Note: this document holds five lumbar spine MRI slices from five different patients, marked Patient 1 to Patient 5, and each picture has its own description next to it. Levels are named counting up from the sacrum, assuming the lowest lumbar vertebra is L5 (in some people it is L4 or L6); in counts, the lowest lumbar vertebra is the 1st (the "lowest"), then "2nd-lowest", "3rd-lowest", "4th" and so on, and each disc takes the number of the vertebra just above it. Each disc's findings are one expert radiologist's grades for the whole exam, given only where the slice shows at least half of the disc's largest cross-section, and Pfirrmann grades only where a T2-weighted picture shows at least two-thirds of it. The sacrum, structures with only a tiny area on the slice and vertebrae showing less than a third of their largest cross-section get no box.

Patient 1 of 5:
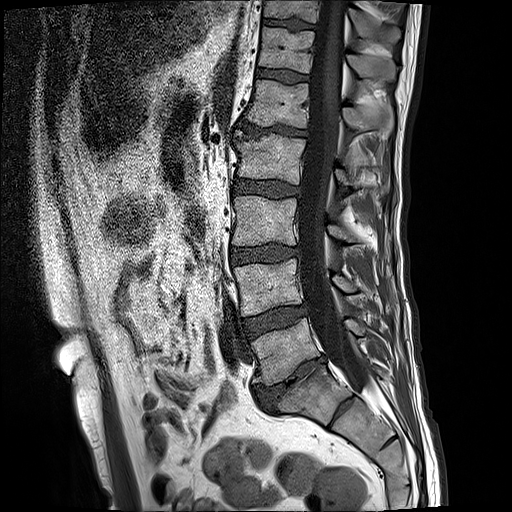 Lumbar spine MR, T1-weighted, sagittal.
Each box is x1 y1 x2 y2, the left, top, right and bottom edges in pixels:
Lowest disc — 255 355 325 408.
2nd-lowest disc — 244 306 305 337.
Lowest vertebra — 253 318 362 385.
5th vertebra — 246 81 392 142.
6th vertebra — 259 27 395 78.
7th disc — 264 20 314 29.
2nd-lowest vertebra — 234 258 352 315.
3rd-lowest disc — 231 246 299 263.
4th vertebra — 236 134 347 198.
Thecal sac / spinal canal — 298 0 371 388.
5th disc — 240 121 307 137.
3rd-lowest vertebra — 233 197 345 246.
4th disc — 234 179 301 197.
7th vertebra — 265 0 399 38.
6th disc — 257 66 309 82.

Expert MSK radiologist gradings (per disc):
  7th disc: upper-endplate change, lower-endplate change
  3rd-lowest disc: lower-endplate change, upper-endplate change, disc bulging
  5th disc: disc bulging, disc narrowing, Modic type II, lower-endplate change, upper-endplate change
  lowest disc: disc bulging, upper-endplate change, Modic type II, disc narrowing, lower-endplate change
  2nd-lowest disc: Modic type II
  4th disc, 6th disc: no herniation, bulging, narrowing, spondylolisthesis, endplate or Modic change recorded

Patient 2 of 5:
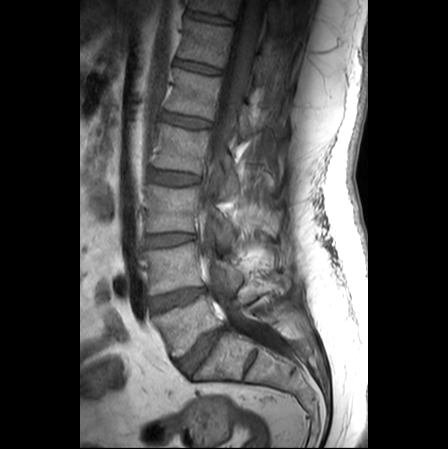 Field of view 280x281 mm, slice spacing 3.3 mm. Lumbar spine MR, T1-weighted, sagittal.
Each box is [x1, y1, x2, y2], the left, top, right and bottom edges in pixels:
L3/L4: [146, 233, 194, 246]
T12 vertebra: [179, 19, 268, 84]
IVD T12/L1: [176, 59, 219, 74]
T11/T12: [188, 12, 231, 23]
IVD L2/L3: [150, 170, 199, 185]
L1/L2: [162, 112, 209, 127]
L3 vertebra: [147, 185, 279, 249]
L1: [166, 68, 284, 138]
L5 vertebra: [153, 295, 256, 357]
L4 vertebra: [146, 242, 243, 295]
L4/L5: [151, 289, 204, 312]
L5/S1: [177, 328, 225, 373]
T11: [190, 0, 278, 28]
L2 vertebra: [155, 123, 239, 195]
thecal sac / spinal canal: [198, 0, 285, 356]

Per-level radiological findings:
  L4/L5: Modic type II, disc bulging
  L5/S1: Modic type II, disc bulging, disc narrowing
  L1/L2, L3/L4, T11/T12, T12/L1, L2/L3: no spondylolisthesis, narrowing, bulging, herniation, Modic or endplate change recorded

Patient 3 of 5:
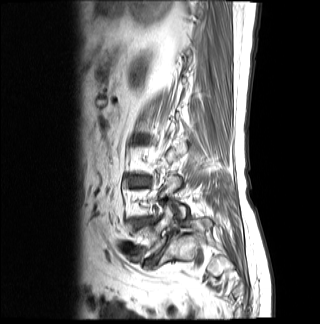 Field of view 260x263 mm, slice spacing 4.7 mm; Patient sex: F; Sagittal slice index 14; Lumbar spine MR, T1-weighted, sagittal
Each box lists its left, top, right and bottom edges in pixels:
Structures:
* L5/S1 — left=145, top=232, right=174, bottom=265
* intervertebral disc L3/L4 — left=134, top=178, right=150, bottom=184
* intervertebral disc L4/L5 — left=136, top=218, right=155, bottom=227
* L5 vertebra — left=135, top=203, right=210, bottom=257

Expert MSK radiologist gradings (per disc):
• L5/S1: lower-endplate change, disc bulging, disc narrowing, upper-endplate change, spondylolisthesis, disc herniation, Modic type II

Patient 4 of 5:
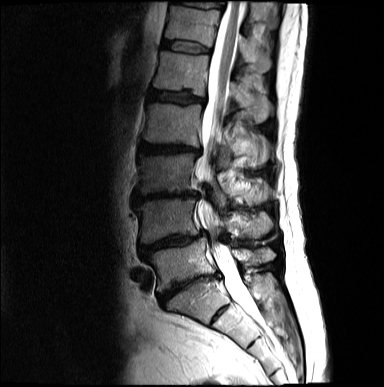
MRI lumbar spine (T2-weighted), sagittal plane.
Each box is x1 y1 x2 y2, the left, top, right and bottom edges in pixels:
IVD L4/L5 (2nd-lowest disc) at 139 232 204 259, L5 (lowest vertebra) at 147 238 274 292, T11/T12 (7th disc) at 181 1 223 9, L2 (4th vertebra) at 143 103 269 163, L1 (5th vertebra) at 153 51 272 123, T11 (7th vertebra) at 251 2 271 19, T12 (6th vertebra) at 165 6 270 71, L3 (3rd-lowest vertebra) at 137 153 229 204, IVD L5/S1 (lowest disc) at 158 274 218 304, L4 (2nd-lowest vertebra) at 135 198 273 244, thecal sac / spinal canal at 196 0 258 321, T12/L1 (6th disc) at 163 40 209 52, L3/L4 (3rd-lowest disc) at 132 192 198 203, L1/L2 (5th disc) at 149 89 205 104, IVD L2/L3 (4th disc) at 139 141 199 155.

Per-level radiological findings:
• L2/L3 (4th disc): Pfirrmann grade 4, upper-endplate change, disc narrowing, disc bulging, lower-endplate change
• L5/S1 (lowest disc): Pfirrmann grade 5, disc bulging, upper-endplate change, lower-endplate change, disc narrowing
• L4/L5 (2nd-lowest disc): Pfirrmann grade 4, disc bulging, disc narrowing, upper-endplate change, lower-endplate change
• L3/L4 (3rd-lowest disc): lower-endplate change, disc bulging, disc narrowing, upper-endplate change
• L1/L2 (5th disc): Pfirrmann grade 3, disc bulging, upper-endplate change, lower-endplate change
• T12/L1 (6th disc): Pfirrmann grade 2
• T11/T12 (7th disc): Pfirrmann grade 2

Patient 5 of 5:
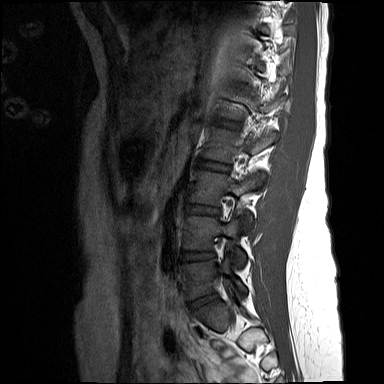
Sagittal T1-weighted lumbar spine MRI, Field of view 280x280 mm, Patient sex: F, Sagittal slice index 3, 384x384 px

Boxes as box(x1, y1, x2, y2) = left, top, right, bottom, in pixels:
Structures:
* L2 at box(205, 129, 278, 161)
* IVD L5/S1 at box(191, 294, 217, 309)
* L4 at box(184, 216, 246, 266)
* L5 at box(184, 256, 246, 299)
* L3 at box(191, 172, 265, 233)
* IVD L4/L5 at box(182, 252, 214, 261)
* L1/L2 at box(216, 119, 237, 127)
* IVD L2/L3 at box(198, 160, 228, 171)
* L3/L4 at box(186, 205, 218, 214)

Degenerative findings by level:
• L1/L2, L3/L4, L2/L3, L4/L5: no spondylolisthesis, narrowing, bulging, herniation, Modic or endplate change recorded